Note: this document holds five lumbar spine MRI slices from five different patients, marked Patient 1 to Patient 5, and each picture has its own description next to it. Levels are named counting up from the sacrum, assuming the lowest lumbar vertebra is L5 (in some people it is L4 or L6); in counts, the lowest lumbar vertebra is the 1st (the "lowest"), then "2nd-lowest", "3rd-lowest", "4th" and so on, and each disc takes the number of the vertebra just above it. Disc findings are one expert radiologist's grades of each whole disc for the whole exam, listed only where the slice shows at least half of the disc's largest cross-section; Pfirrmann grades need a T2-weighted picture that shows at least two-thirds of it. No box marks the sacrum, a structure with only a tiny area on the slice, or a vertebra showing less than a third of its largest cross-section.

Patient 1 of 5:
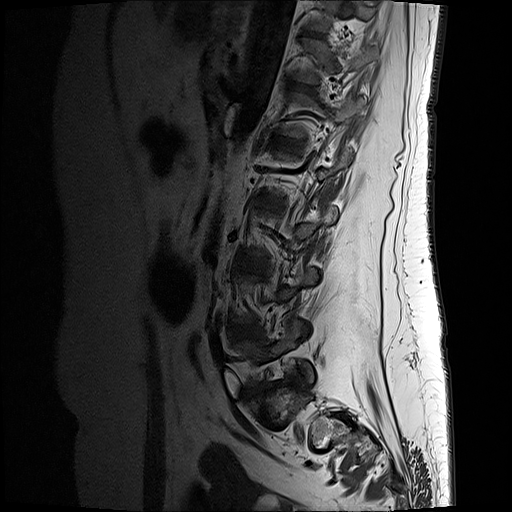
T1-weighted sagittal MRI of the lumbar spine
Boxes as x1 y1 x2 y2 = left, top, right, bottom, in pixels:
{"intervertebral disc T11/T12": "304 31 325 37", "L1/L2": "275 137 303 150", "intervertebral disc L3/L4": "236 258 265 271", "intervertebral disc L2/L3": "257 195 284 206", "intervertebral disc L4/L5": "230 326 262 338", "L1 vertebra": "278 92 366 138", "L5 vertebra": "235 319 314 385", "T12": "290 38 377 83", "intervertebral disc T12/L1": "291 82 313 90"}

Patient 2 of 5:
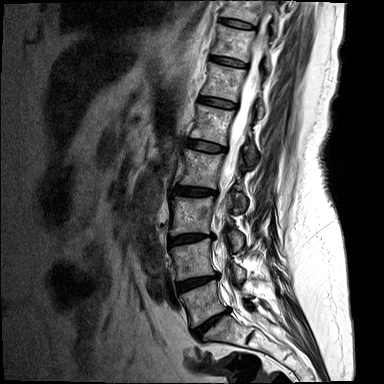
MRI lumbar spine (T2-weighted), sagittal plane | Field of view 280x280 mm, slice spacing 4.4 mm

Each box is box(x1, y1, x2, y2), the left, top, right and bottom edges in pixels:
Annotations:
• L3 (3rd-lowest vertebra) at box(169, 196, 243, 251)
• L1 (5th vertebra) at box(191, 104, 255, 162)
• IVD T10/T11 (8th disc) at box(220, 18, 253, 28)
• L5 (lowest vertebra) at box(178, 281, 249, 327)
• IVD L1/L2 (5th disc) at box(187, 140, 225, 151)
• T10 (8th vertebra) at box(222, 0, 279, 35)
• T12 (6th vertebra) at box(203, 63, 264, 118)
• IVD L2/L3 (4th disc) at box(174, 186, 215, 196)
• IVD L5/S1 (lowest disc) at box(191, 308, 229, 338)
• T11/T12 (7th disc) at box(211, 56, 245, 67)
• IVD L4/L5 (2nd-lowest disc) at box(176, 273, 219, 292)
• thecal sac / spinal canal at box(214, 12, 267, 309)
• T11 (7th vertebra) at box(212, 24, 271, 71)
• L2 (4th vertebra) at box(179, 149, 245, 212)
• IVD L3/L4 (3rd-lowest disc) at box(168, 233, 216, 245)
• IVD T12/L1 (6th disc) at box(200, 96, 234, 108)
• L4 (2nd-lowest vertebra) at box(170, 235, 245, 281)

Radiological gradings:
• L1/L2 (5th disc): Pfirrmann grade 3, Modic type II
• L4/L5 (2nd-lowest disc): Pfirrmann grade 4, disc narrowing, disc bulging
• T10/T11 (8th disc): Pfirrmann grade 2
• L3/L4 (3rd-lowest disc): Pfirrmann grade 4, disc narrowing, disc bulging
• T11/T12 (7th disc): Pfirrmann grade 3
• T12/L1 (6th disc): Pfirrmann grade 3
• L5/S1 (lowest disc): Pfirrmann grade 5, Modic type II, disc narrowing, disc bulging
• L2/L3 (4th disc): Pfirrmann grade 3, disc bulging, Modic type II

Patient 3 of 5:
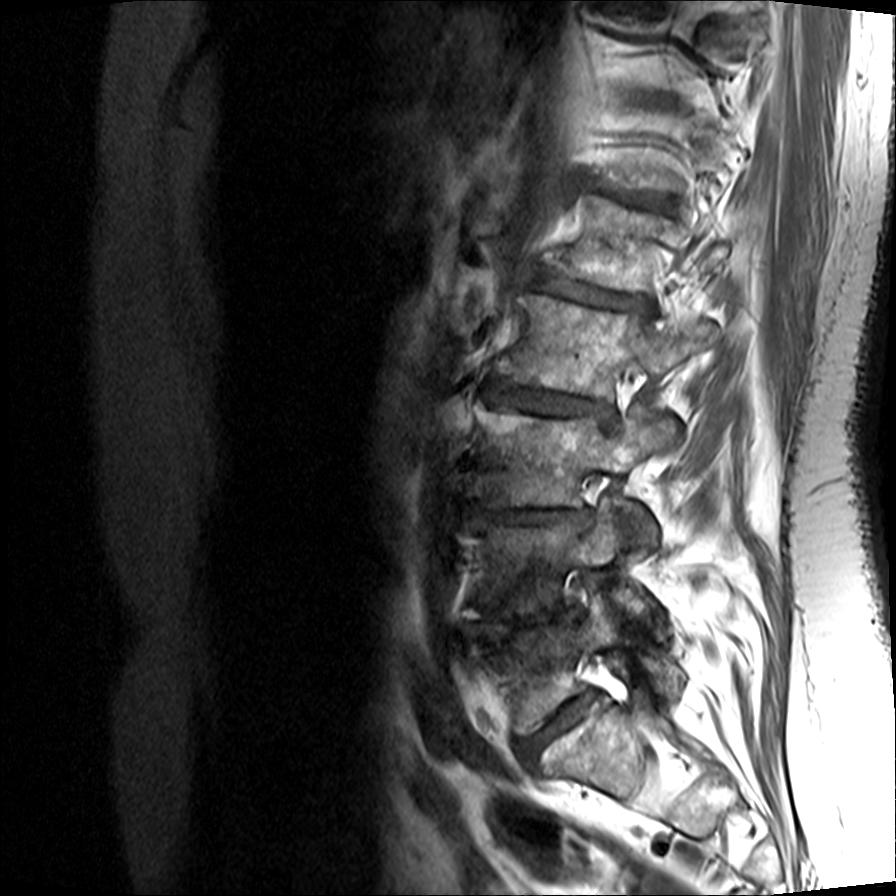 Lumbar spine MR, T1-weighted, sagittal, 896x896 px, Slice 4/15
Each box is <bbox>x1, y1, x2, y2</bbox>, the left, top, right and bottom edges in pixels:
L5 vertebra at <bbox>492, 593, 683, 734</bbox>, intervertebral disc L5/S1 at <bbox>519, 693, 595, 759</bbox>, L4/L5 at <bbox>476, 608, 581, 638</bbox>, L2 at <bbox>500, 293, 720, 396</bbox>, L3 vertebra at <bbox>478, 408, 677, 544</bbox>, L4 at <bbox>467, 502, 653, 620</bbox>, intervertebral disc T12/L1 at <bbox>595, 181, 670, 207</bbox>, intervertebral disc L3/L4 at <bbox>473, 506, 593, 528</bbox>, L1 at <bbox>557, 195, 727, 290</bbox>, intervertebral disc L1/L2 at <bbox>536, 269, 650, 311</bbox>, L2/L3 at <bbox>486, 381, 610, 419</bbox>.

Degenerative findings by level:
  L4/L5: upper-endplate change, disc herniation, lower-endplate change, disc narrowing, Modic type II
  L3/L4: disc herniation, lower-endplate change, Modic type II, disc narrowing, upper-endplate change
  L5/S1: disc narrowing, disc bulging, lower-endplate change, upper-endplate change, Modic type II
  L2/L3: disc narrowing, lower-endplate change, Modic type II, upper-endplate change, disc bulging
  L1/L2: lower-endplate change, upper-endplate change, disc bulging, Modic type II, disc narrowing

Patient 4 of 5:
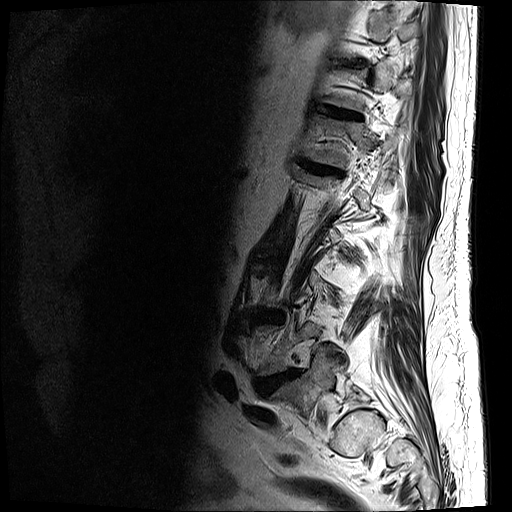
MRI lumbar spine (T2-weighted), sagittal plane, 512x512 px, Sagittal slice index 18
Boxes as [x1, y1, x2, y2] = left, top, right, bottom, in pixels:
6th vertebra at [304, 115, 405, 167], lowest vertebra at [271, 354, 358, 413], 2nd-lowest disc at [262, 373, 289, 392], 6th disc at [308, 165, 336, 171], 7th disc at [327, 108, 357, 116].

Patient 5 of 5:
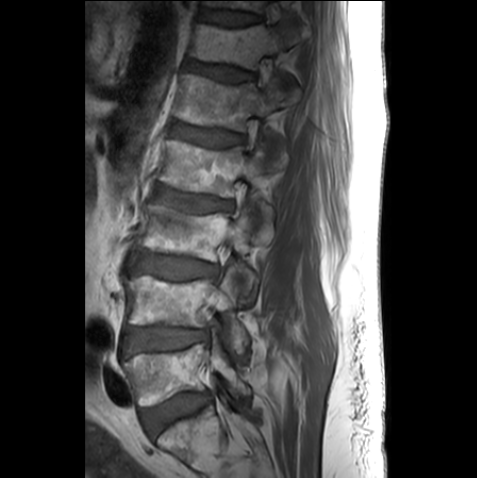 Sagittal T1-weighted lumbar spine MRI; Image 477x478; Sagittal slice index 17

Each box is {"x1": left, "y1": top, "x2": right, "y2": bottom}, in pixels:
2nd-lowest disc at {"x1": 122, "y1": 327, "x2": 208, "y2": 352} | 4th disc at {"x1": 153, "y1": 185, "x2": 233, "y2": 215} | 5th disc at {"x1": 170, "y1": 124, "x2": 244, "y2": 146} | lowest disc at {"x1": 141, "y1": 392, "x2": 206, "y2": 434} | 7th disc at {"x1": 202, "y1": 9, "x2": 260, "y2": 26} | 6th disc at {"x1": 188, "y1": 61, "x2": 254, "y2": 82} | 3rd-lowest disc at {"x1": 135, "y1": 252, "x2": 218, "y2": 279} | 4th vertebra at {"x1": 157, "y1": 139, "x2": 277, "y2": 223} | 6th vertebra at {"x1": 189, "y1": 14, "x2": 298, "y2": 86} | lowest vertebra at {"x1": 122, "y1": 338, "x2": 251, "y2": 405} | 7th vertebra at {"x1": 205, "y1": 0, "x2": 265, "y2": 12} | 5th vertebra at {"x1": 173, "y1": 72, "x2": 294, "y2": 147} | 3rd-lowest vertebra at {"x1": 138, "y1": 204, "x2": 256, "y2": 304} | 2nd-lowest vertebra at {"x1": 123, "y1": 269, "x2": 248, "y2": 360}

Degenerative findings by level:
• 4th disc: upper-endplate change
• 6th disc: upper-endplate change
• 2nd-lowest disc: lower-endplate change
• 3rd-lowest disc, 7th disc, 5th disc, lowest disc: no spondylolisthesis, narrowing, bulging, herniation, Modic or endplate change recorded